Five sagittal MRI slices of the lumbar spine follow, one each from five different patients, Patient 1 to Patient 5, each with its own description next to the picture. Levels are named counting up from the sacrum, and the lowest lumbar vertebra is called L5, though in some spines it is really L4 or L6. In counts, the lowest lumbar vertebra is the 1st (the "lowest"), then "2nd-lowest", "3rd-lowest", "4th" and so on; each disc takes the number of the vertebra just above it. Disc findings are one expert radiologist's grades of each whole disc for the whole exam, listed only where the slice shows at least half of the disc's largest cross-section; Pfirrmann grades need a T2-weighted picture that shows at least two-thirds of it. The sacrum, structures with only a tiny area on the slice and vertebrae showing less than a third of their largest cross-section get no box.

Patient 1 of 5:
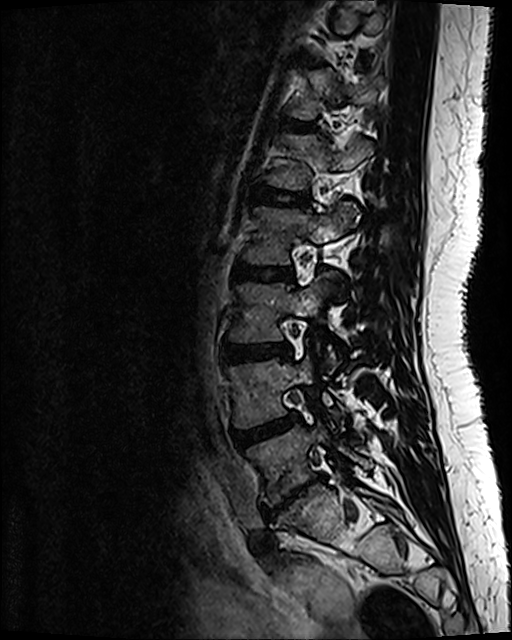 512x640 px, T2 SPACE (3D) sagittal MRI of the lumbar spine

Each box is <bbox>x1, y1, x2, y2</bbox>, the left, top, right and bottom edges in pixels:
Annotations:
• 6th disc = <bbox>280, 119, 313, 131</bbox>
• 4th disc = <bbox>233, 263, 292, 280</bbox>
• lowest disc = <bbox>261, 475, 323, 519</bbox>
• 5th vertebra = <bbox>267, 135, 371, 188</bbox>
• 3rd-lowest disc = <bbox>223, 344, 290, 362</bbox>
• 2nd-lowest vertebra = <bbox>228, 355, 334, 426</bbox>
• 6th vertebra = <bbox>291, 69, 381, 119</bbox>
• 3rd-lowest vertebra = <bbox>229, 276, 332, 360</bbox>
• lowest vertebra = <bbox>248, 426, 371, 504</bbox>
• 2nd-lowest disc = <bbox>231, 412, 299, 448</bbox>
• 4th vertebra = <bbox>243, 203, 355, 263</bbox>
• 5th disc = <bbox>250, 185, 308, 206</bbox>

Radiological gradings:
- lowest disc: upper-endplate change, disc narrowing, disc herniation, lower-endplate change, disc bulging, Modic type III
- 3rd-lowest disc: Pfirrmann grade 2, disc bulging
- 2nd-lowest disc: disc bulging
- 5th disc: Pfirrmann grade 2
- 4th disc: no herniation, bulging, narrowing, spondylolisthesis, endplate or Modic change recorded

Patient 2 of 5:
Patient sex: F; Field of view 308x311 mm; MRI lumbar spine (T2-weighted), sagittal plane; 658x664 px 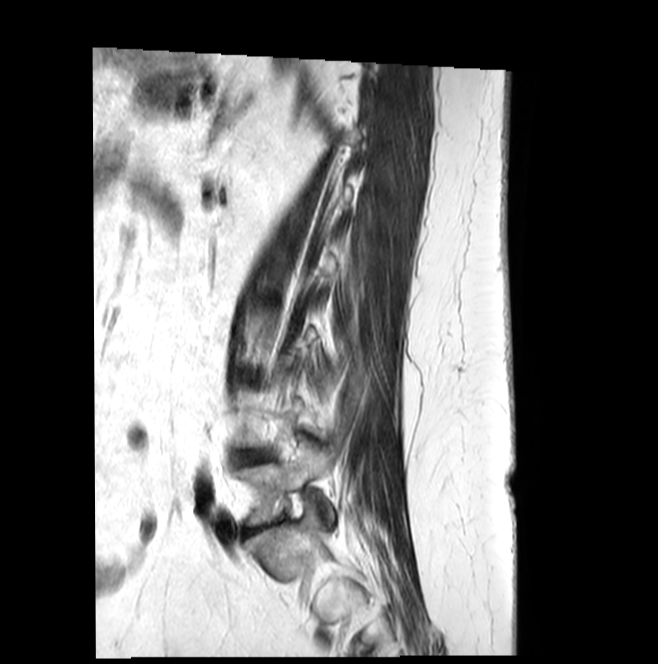
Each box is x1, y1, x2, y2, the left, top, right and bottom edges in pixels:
Segmented structures:
• L5 vertebra at 237, 447, 333, 525
• intervertebral disc L4/L5 at 237, 452, 268, 464

Patient 3 of 5:
Slice 18 of 24 | Philips Healthcare Ingenia (3T) | Lumbar spine MR, T1-weighted, sagittal

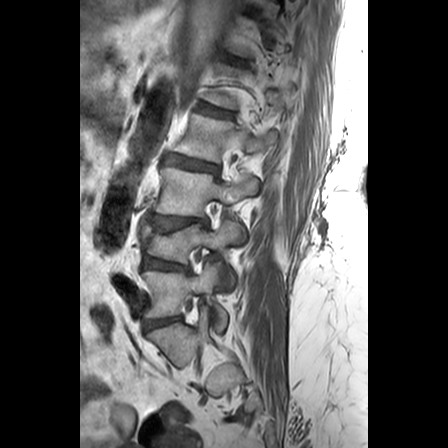
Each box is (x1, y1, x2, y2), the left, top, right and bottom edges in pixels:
Disc L2/L3 = (163, 152, 218, 173).
L5 = (142, 262, 227, 330).
Disc L5/S1 = (145, 316, 180, 329).
L3 = (153, 167, 258, 216).
Disc L3/L4 = (148, 214, 207, 227).
T12/L1 = (225, 56, 244, 64).
L4 vertebra = (139, 219, 240, 262).
L4/L5 = (142, 256, 188, 271).
L2 vertebra = (174, 113, 276, 163).
Disc L1/L2 = (198, 103, 232, 117).

Degenerative findings by level:
• L4/L5: lower-endplate change, disc bulging
• L3/L4: lower-endplate change, disc bulging, upper-endplate change
• L2/L3: lower-endplate change, upper-endplate change
• L1/L2: upper-endplate change

Patient 4 of 5:
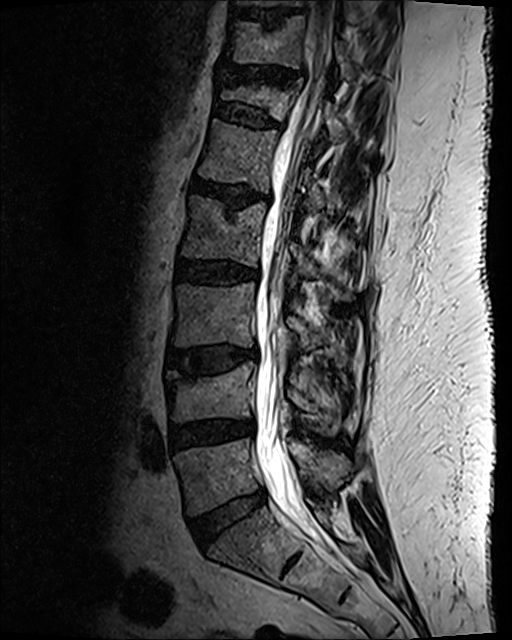 MRI lumbar spine (T2 SPACE (3D)), sagittal plane. 512x640 px.
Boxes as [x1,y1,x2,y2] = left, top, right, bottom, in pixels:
{"8th disc": "[234,10,299,21]", "4th disc": "[177,260,258,285]", "5th vertebra": "[198,120,324,211]", "5th disc": "[191,180,255,211]", "spinal canal": "[254,1,333,539]", "6th disc": "[214,103,282,129]", "4th vertebra": "[182,198,349,298]", "lowest vertebra": "[175,439,348,514]", "7th vertebra": "[226,16,397,81]", "3rd-lowest vertebra": "[172,282,345,367]", "lowest disc": "[190,489,267,546]", "3rd-lowest disc": "[167,348,257,374]", "2nd-lowest vertebra": "[166,363,340,435]", "7th disc": "[226,68,299,85]", "2nd-lowest disc": "[171,421,249,447]", "6th vertebra": "[221,85,344,142]"}

Radiological gradings:
- lowest disc: Pfirrmann grade 2, disc bulging
- 3rd-lowest disc: Pfirrmann grade 3, disc bulging, lower-endplate change, upper-endplate change, Modic type II
- 2nd-lowest disc: Pfirrmann grade 3, disc bulging, disc narrowing
- 5th disc: Pfirrmann grade 3, disc narrowing, upper-endplate change, lower-endplate change, Modic type II, disc bulging
- 4th disc: Pfirrmann grade 3, disc bulging, lower-endplate change
- 7th disc: Pfirrmann grade 2, lower-endplate change, upper-endplate change, disc bulging, disc narrowing
- 6th disc: Pfirrmann grade 2, spondylolisthesis, disc bulging, lower-endplate change, upper-endplate change

Patient 5 of 5:
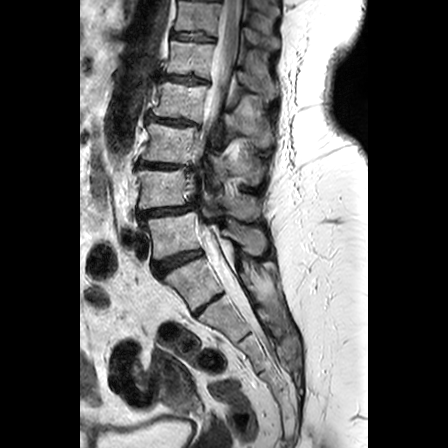

Slice spacing 3.3 mm | Slice 14 of 24 | 448x448 px | Lumbar spine MR, T2-weighted, sagittal

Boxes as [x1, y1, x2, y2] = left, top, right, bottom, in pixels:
{"L3": "[142, 123, 265, 185]", "L2": "[152, 82, 273, 148]", "spinal canal": "[193, 0, 247, 310]", "L1/L2": "[161, 75, 208, 83]", "L1 vertebra": "[166, 40, 278, 98]", "L4/L5": "[138, 206, 192, 220]", "intervertebral disc T12/L1": "[171, 32, 216, 42]", "L5 vertebra": "[147, 212, 264, 261]", "intervertebral disc L3/L4": "[138, 163, 190, 170]", "T12": "[175, 0, 279, 48]", "intervertebral disc L5/S1": "[152, 251, 202, 277]", "L4": "[137, 168, 261, 219]", "intervertebral disc L2/L3": "[147, 114, 199, 125]"}

Degenerative findings by level:
- L5/S1: Pfirrmann grade 4, disc bulging
- L2/L3: Pfirrmann grade 3, lower-endplate change, disc bulging, Modic type II, upper-endplate change, disc narrowing
- T12/L1: Pfirrmann grade 3, lower-endplate change, upper-endplate change, Modic type II
- L1/L2: Pfirrmann grade 3, disc bulging, Modic type II, lower-endplate change, disc narrowing, upper-endplate change
- L4/L5: Pfirrmann grade 4, spondylolisthesis, disc bulging, disc narrowing
- L3/L4: Pfirrmann grade 3, disc narrowing, lower-endplate change, upper-endplate change, disc bulging, Modic type II